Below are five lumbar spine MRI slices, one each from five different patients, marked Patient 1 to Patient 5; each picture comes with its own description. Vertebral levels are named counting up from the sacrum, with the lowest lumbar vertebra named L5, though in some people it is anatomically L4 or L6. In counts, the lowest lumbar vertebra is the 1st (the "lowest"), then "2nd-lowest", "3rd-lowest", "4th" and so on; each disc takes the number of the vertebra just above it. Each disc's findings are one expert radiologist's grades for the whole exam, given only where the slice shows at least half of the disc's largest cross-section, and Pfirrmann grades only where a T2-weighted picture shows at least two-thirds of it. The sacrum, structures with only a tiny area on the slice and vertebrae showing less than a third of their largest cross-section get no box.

Patient 1 of 5:
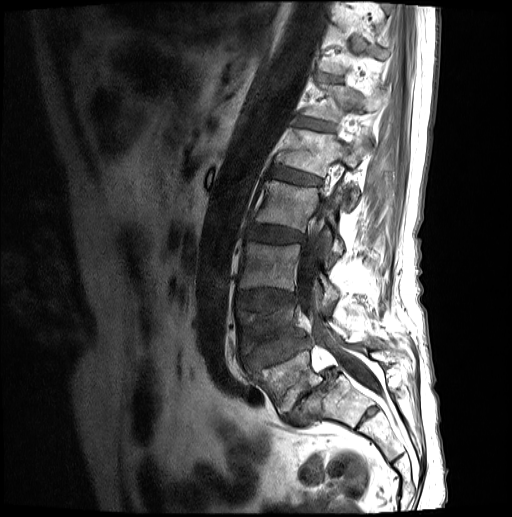

Sagittal T1-weighted lumbar spine MRI

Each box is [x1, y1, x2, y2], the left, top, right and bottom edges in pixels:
Segmented structures:
- 6th vertebra at [302, 83, 388, 122]
- 2nd-lowest disc at [241, 337, 311, 368]
- 3rd-lowest vertebra at [239, 242, 340, 305]
- 5th disc at [271, 167, 319, 184]
- lowest disc at [283, 368, 338, 425]
- 3rd-lowest disc at [236, 288, 296, 310]
- spinal canal at [297, 180, 382, 393]
- lowest vertebra at [248, 344, 412, 413]
- 2nd-lowest vertebra at [237, 303, 349, 353]
- 4th vertebra at [256, 180, 343, 254]
- 4th disc at [247, 225, 304, 242]
- 5th vertebra at [278, 128, 369, 207]
- 6th disc at [298, 118, 334, 131]

Radiological gradings:
• 3rd-lowest disc: upper-endplate change, lower-endplate change, disc bulging
• 2nd-lowest disc: disc herniation, spondylolisthesis, upper-endplate change, lower-endplate change, disc narrowing
• 4th disc: disc bulging
• lowest disc: disc herniation, disc narrowing, spondylolisthesis, Modic type II
• 6th disc, 5th disc: no spondylolisthesis, narrowing, bulging, herniation, Modic or endplate change recorded

Patient 2 of 5:
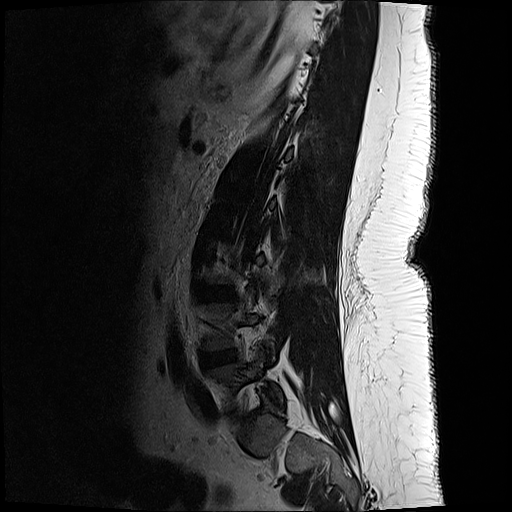 Field of view 300x300 mm, slice spacing 3.3 mm, Lumbar spine MR, T2-weighted, sagittal
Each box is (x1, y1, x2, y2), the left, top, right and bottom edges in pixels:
Segmented structures:
• L4/L5: (200, 350, 234, 367)
• L3/L4: (198, 283, 235, 302)
• L5 vertebra: (205, 354, 281, 408)
• L5/S1: (226, 407, 238, 416)

Patient 3 of 5:
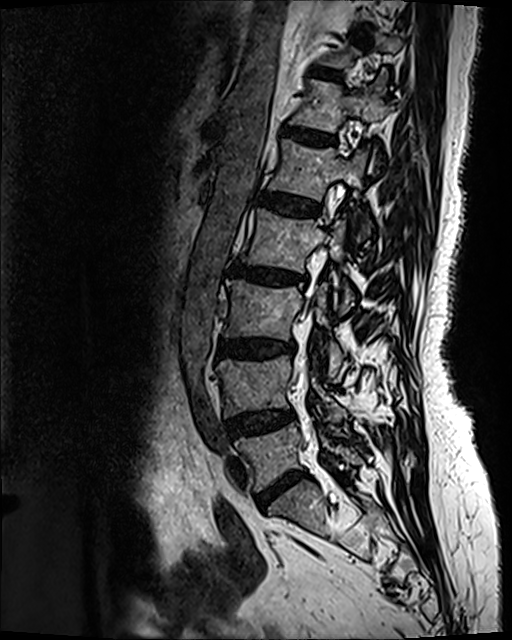
512x640 px | Sex F | Sagittal T2 SPACE (3D) lumbar spine MRI
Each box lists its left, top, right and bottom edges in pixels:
{"spinal canal": "left=292, top=291, right=312, bottom=390", "L3": "left=224, top=280, right=344, bottom=377", "L1/L2": "left=258, top=192, right=319, bottom=215", "L2": "left=241, top=209, right=353, bottom=312", "L1": "left=270, top=139, right=369, bottom=240", "L4 vertebra": "left=216, top=355, right=345, bottom=423", "T12 vertebra": "left=290, top=70, right=391, bottom=132", "T11/T12": "left=311, top=67, right=339, bottom=78", "IVD T12/L1": "left=284, top=128, right=334, bottom=143", "L3/L4": "left=216, top=339, right=295, bottom=355", "IVD L5/S1": "left=258, top=472, right=304, bottom=507", "IVD L2/L3": "left=229, top=264, right=304, bottom=284", "L5 vertebra": "left=235, top=423, right=362, bottom=491", "IVD L4/L5": "left=228, top=410, right=293, bottom=438"}

Radiological gradings:
• L4/L5: Pfirrmann grade 3, disc bulging
• L2/L3: Pfirrmann grade 4, upper-endplate change, lower-endplate change, disc bulging, Modic type II, disc narrowing
• L1/L2: Pfirrmann grade 2
• L5/S1: disc narrowing, disc bulging
• L3/L4: Pfirrmann grade 4, lower-endplate change, disc bulging, disc narrowing, upper-endplate change, Modic type II
• T12/L1: disc bulging

Patient 4 of 5:
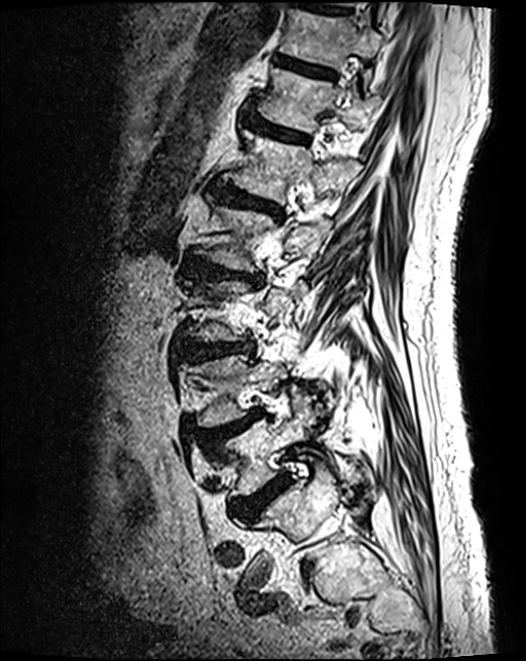 Sagittal T2 SPACE (3D) lumbar spine MRI, Field of view 240x302 mm

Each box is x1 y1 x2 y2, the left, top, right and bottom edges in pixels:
Structures:
* 7th vertebra at 280 9 383 67
* 3rd-lowest vertebra at 184 277 307 343
* 6th vertebra at 260 69 373 135
* 3rd-lowest disc at 180 343 252 362
* 5th vertebra at 227 132 357 201
* 4th disc at 187 258 262 285
* 6th disc at 247 119 307 142
* 4th vertebra at 195 207 332 272
* lowest disc at 233 478 288 520
* 2nd-lowest disc at 202 411 264 449
* 5th disc at 210 183 282 218
* 7th disc at 274 55 334 77
* 2nd-lowest vertebra at 189 345 297 426
* lowest vertebra at 216 399 359 496

Expert MSK radiologist gradings (per disc):
  3rd-lowest disc: disc bulging
  4th disc: upper-endplate change, disc narrowing, lower-endplate change, disc bulging
  5th disc: Pfirrmann grade 4, lower-endplate change, disc bulging, upper-endplate change
  7th disc: Pfirrmann grade 3, lower-endplate change
  6th disc: Pfirrmann grade 3
  lowest disc: no Modic or endplate change, herniation, narrowing, bulging or spondylolisthesis recorded

Patient 5 of 5:
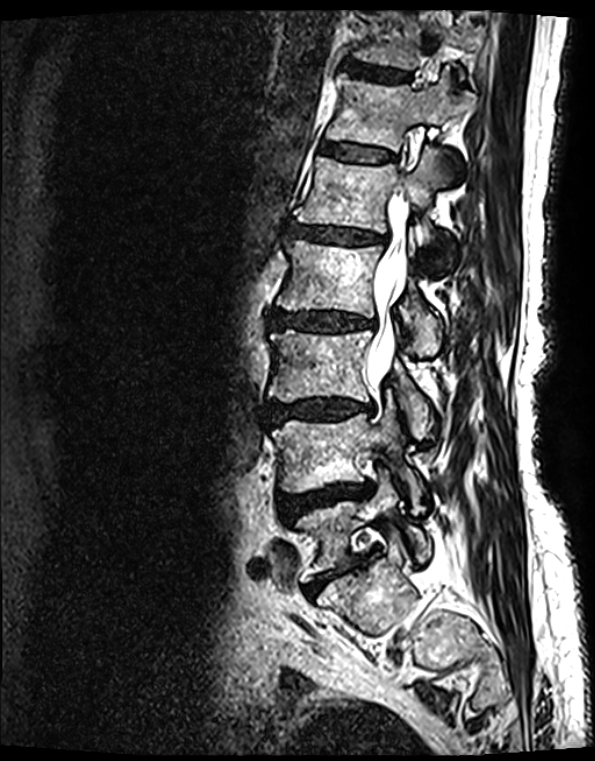 Sex F | MRI lumbar spine (T2 SPACE (3D)), sagittal plane
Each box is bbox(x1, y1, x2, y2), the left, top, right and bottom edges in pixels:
L1 vertebra at bbox(294, 150, 450, 269) | L4 vertebra at bbox(271, 411, 423, 512) | L3 vertebra at bbox(267, 330, 433, 439) | thecal sac / spinal canal at bbox(366, 184, 412, 393) | disc T11/T12 at bbox(343, 63, 409, 83) | L1/L2 at bbox(289, 225, 376, 245) | T12 at bbox(326, 74, 473, 150) | L5/S1 at bbox(303, 557, 364, 595) | T11 vertebra at bbox(350, 11, 484, 80) | T12/L1 at bbox(320, 144, 391, 163) | L2 at bbox(277, 242, 440, 355) | L4/L5 at bbox(279, 487, 362, 524) | L3/L4 at bbox(271, 399, 371, 422) | L5 at bbox(295, 473, 430, 582) | L2/L3 at bbox(271, 312, 372, 332)

Degenerative findings by level:
  L2/L3: Pfirrmann grade 4, lower-endplate change, disc narrowing, upper-endplate change, disc bulging, Modic type II
  L4/L5: disc narrowing, upper-endplate change, Modic type II, disc bulging, lower-endplate change, disc herniation
  L1/L2: Pfirrmann grade 4, Modic type II, disc bulging, upper-endplate change, lower-endplate change, disc narrowing
  L3/L4: Pfirrmann grade 4, Modic type II, disc bulging, disc narrowing, upper-endplate change, lower-endplate change
  T12/L1: Pfirrmann grade 2, lower-endplate change, upper-endplate change, Modic type II
  T11/T12: Pfirrmann grade 2, Modic type II, upper-endplate change, lower-endplate change